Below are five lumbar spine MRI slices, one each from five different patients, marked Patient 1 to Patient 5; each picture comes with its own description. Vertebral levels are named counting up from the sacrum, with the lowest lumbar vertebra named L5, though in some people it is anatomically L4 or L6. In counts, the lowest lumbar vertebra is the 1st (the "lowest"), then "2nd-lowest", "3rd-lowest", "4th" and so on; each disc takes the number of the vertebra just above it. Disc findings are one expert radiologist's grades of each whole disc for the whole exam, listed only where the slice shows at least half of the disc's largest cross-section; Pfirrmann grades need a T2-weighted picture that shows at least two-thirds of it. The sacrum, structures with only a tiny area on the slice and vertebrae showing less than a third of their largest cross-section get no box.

Patient 1 of 5:
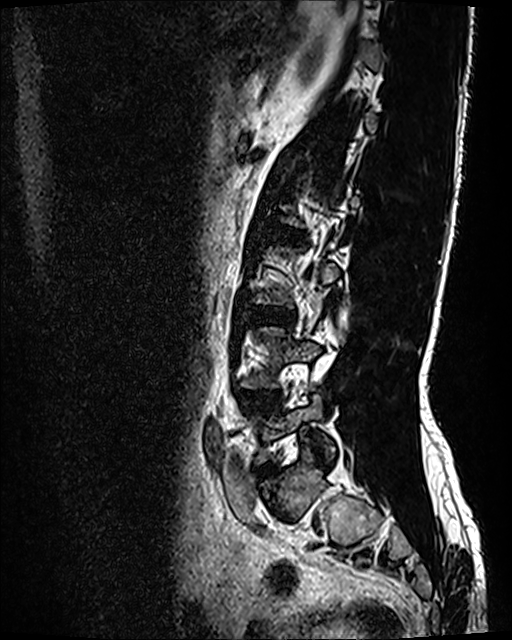
Sagittal T2 SPACE (3D) lumbar spine MRI. 512x640 px.
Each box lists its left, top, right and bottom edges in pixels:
disc L3/L4: left=254, top=308, right=289, bottom=323
disc L2/L3: left=282, top=230, right=300, bottom=236
disc L4/L5: left=241, top=392, right=276, bottom=406

Patient 2 of 5:
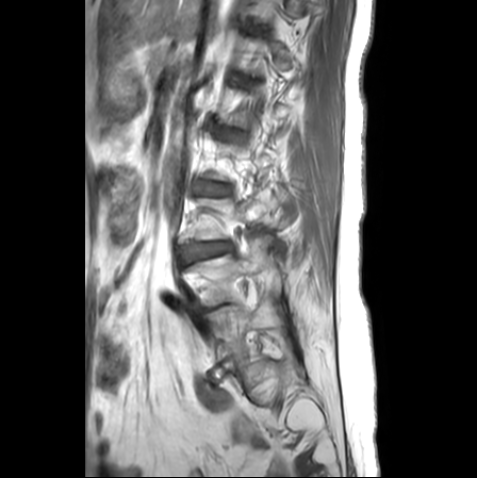
MRI lumbar spine (T1-weighted), sagittal plane

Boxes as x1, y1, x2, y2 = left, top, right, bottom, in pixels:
• lowest vertebra: 207, 301, 281, 366
• 3rd-lowest vertebra: 185, 198, 277, 239
• 3rd-lowest disc: 183, 242, 232, 262
• 5th disc: 219, 127, 246, 141
• 2nd-lowest vertebra: 186, 235, 272, 305
• 4th disc: 196, 182, 230, 195

Degenerative findings by level:
- 4th disc: upper-endplate change, disc bulging, lower-endplate change
- 3rd-lowest disc: disc bulging, lower-endplate change, Modic type II, upper-endplate change
- 5th disc: upper-endplate change, lower-endplate change

Patient 3 of 5:
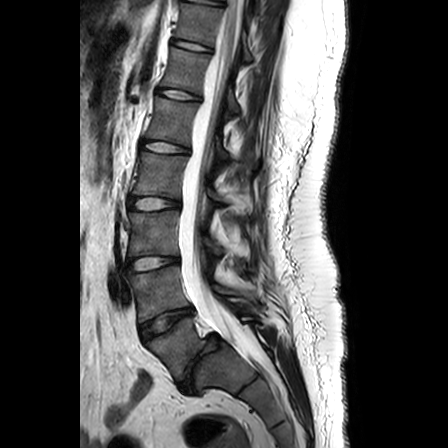 Slice 11/24, Field of view 280x280 mm, slice spacing 3.3 mm, Patient sex: F, Lumbar spine MR, T2-weighted, sagittal
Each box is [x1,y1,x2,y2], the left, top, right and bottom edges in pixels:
L2 vertebra: [134,152,222,200]
spinal canal: [179,0,263,364]
IVD L3/L4: [129,256,178,270]
T11: [175,4,251,60]
IVD T11/T12: [172,40,210,51]
T12: [161,48,238,112]
IVD L5/S1: [180,334,221,387]
IVD L1/L2: [144,141,188,153]
L4 vertebra: [129,266,254,321]
IVD L4/L5: [140,308,193,339]
T12/L1: [158,89,199,99]
L3: [129,210,222,255]
L1 vertebra: [147,97,253,165]
IVD L2/L3: [127,197,179,209]
L5: [147,316,254,379]

Degenerative findings by level:
- L5/S1: Pfirrmann grade 1, disc bulging, spondylolisthesis, disc narrowing, lower-endplate change
- L1/L2: Pfirrmann grade 1
- L4/L5: Pfirrmann grade 1, disc bulging
- T12/L1: Pfirrmann grade 1
- L2/L3: Pfirrmann grade 4
- T11/T12: Pfirrmann grade 1
- L3/L4: Pfirrmann grade 3

Patient 4 of 5:
Slice 17/26; Field of view 280x281 mm; T1-weighted sagittal MRI of the lumbar spine 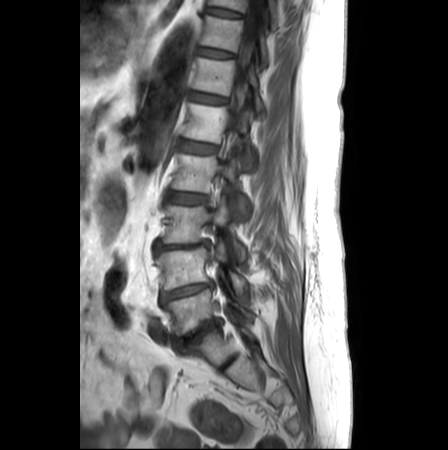 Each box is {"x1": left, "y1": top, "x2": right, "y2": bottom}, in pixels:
Structures:
* T12/L1 — {"x1": 190, "y1": 91, "x2": 226, "y2": 103}
* spinal canal — {"x1": 213, "y1": 0, "x2": 264, "y2": 258}
* L1 — {"x1": 183, "y1": 103, "x2": 253, "y2": 168}
* L2/L3 — {"x1": 167, "y1": 191, "x2": 207, "y2": 202}
* T11/T12 — {"x1": 197, "y1": 47, "x2": 234, "y2": 57}
* L3/L4 — {"x1": 154, "y1": 240, "x2": 208, "y2": 249}
* T10/T11 — {"x1": 207, "y1": 7, "x2": 241, "y2": 15}
* L4 vertebra — {"x1": 155, "y1": 242, "x2": 246, "y2": 292}
* T11 vertebra — {"x1": 199, "y1": 14, "x2": 267, "y2": 68}
* L3 vertebra — {"x1": 163, "y1": 201, "x2": 245, "y2": 260}
* disc L4/L5 — {"x1": 160, "y1": 282, "x2": 212, "y2": 303}
* L2 — {"x1": 171, "y1": 153, "x2": 247, "y2": 213}
* L1/L2 — {"x1": 177, "y1": 138, "x2": 217, "y2": 153}
* T10 vertebra — {"x1": 208, "y1": 0, "x2": 277, "y2": 26}
* L5/S1 — {"x1": 175, "y1": 320, "x2": 218, "y2": 345}
* L5 — {"x1": 165, "y1": 288, "x2": 253, "y2": 335}
* T12 — {"x1": 192, "y1": 57, "x2": 262, "y2": 109}

Expert MSK radiologist gradings (per disc):
- L5/S1: disc narrowing, lower-endplate change, upper-endplate change, disc bulging, Modic type II
- L3/L4: upper-endplate change, disc bulging, disc narrowing, lower-endplate change
- L4/L5: disc bulging, disc narrowing
- L2/L3: disc bulging
- T10/T11, T12/L1, L1/L2, T11/T12: no Modic or endplate change, herniation, narrowing, bulging or spondylolisthesis recorded

Patient 5 of 5:
T2-weighted sagittal MRI of the lumbar spine | Slice 11 of 26

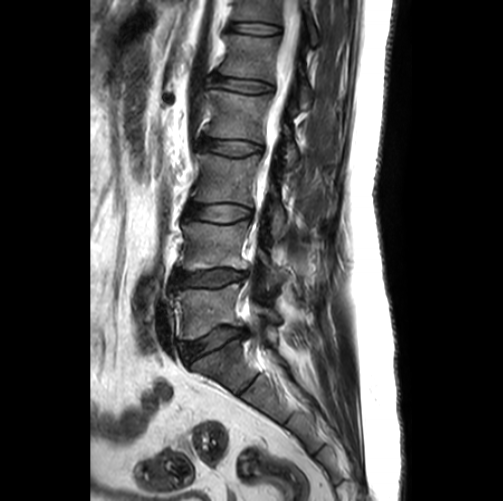

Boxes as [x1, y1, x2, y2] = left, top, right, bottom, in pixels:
{"3rd-lowest disc": "[187, 202, 251, 222]", "lowest vertebra": "[174, 284, 279, 339]", "3rd-lowest vertebra": "[193, 153, 332, 238]", "4th vertebra": "[207, 90, 297, 166]", "6th disc": "[231, 23, 279, 34]", "2nd-lowest disc": "[173, 269, 244, 286]", "4th disc": "[197, 138, 261, 156]", "5th vertebra": "[219, 35, 311, 108]", "spinal canal": "[247, 0, 300, 320]", "2nd-lowest vertebra": "[181, 222, 283, 288]", "5th disc": "[214, 75, 271, 93]", "6th vertebra": "[234, 0, 318, 45]", "lowest disc": "[176, 327, 245, 365]"}

Radiological gradings:
• 4th disc: Pfirrmann grade 2
• 5th disc: Pfirrmann grade 2
• 3rd-lowest disc: Pfirrmann grade 2
• 6th disc: Pfirrmann grade 1
• 2nd-lowest disc: Pfirrmann grade 3, Modic type II, lower-endplate change, disc bulging, upper-endplate change, disc narrowing
• lowest disc: Pfirrmann grade 3, disc narrowing, disc bulging